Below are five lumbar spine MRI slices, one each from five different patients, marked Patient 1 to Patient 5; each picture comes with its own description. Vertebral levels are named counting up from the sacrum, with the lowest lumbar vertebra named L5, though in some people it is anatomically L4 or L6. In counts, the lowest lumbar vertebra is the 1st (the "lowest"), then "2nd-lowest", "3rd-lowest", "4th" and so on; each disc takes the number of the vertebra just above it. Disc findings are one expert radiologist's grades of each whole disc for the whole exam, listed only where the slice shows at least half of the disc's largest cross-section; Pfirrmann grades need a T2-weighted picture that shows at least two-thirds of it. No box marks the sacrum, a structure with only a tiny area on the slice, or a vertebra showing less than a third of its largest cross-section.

Patient 1 of 5:
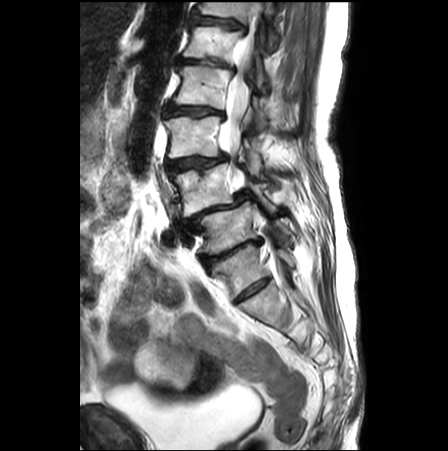 MRI lumbar spine (T2-weighted), sagittal plane
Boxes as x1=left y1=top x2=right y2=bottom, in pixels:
Segmented structures:
* L1/L2 at x1=177 y1=57 x2=235 y2=71
* T12 vertebra at x1=194 y1=2 x2=278 y2=51
* L2 vertebra at x1=172 y1=64 x2=267 y2=127
* L3/L4 at x1=165 y1=155 x2=226 y2=173
* disc L4/L5 at x1=182 y1=190 x2=253 y2=232
* L5/S1 at x1=200 y1=238 x2=262 y2=272
* disc L2/L3 at x1=163 y1=103 x2=226 y2=118
* L3 at x1=164 y1=116 x2=261 y2=173
* L5 vertebra at x1=201 y1=202 x2=291 y2=253
* disc T12/L1 at x1=189 y1=11 x2=246 y2=32
* spinal canal at x1=219 y1=34 x2=255 y2=188
* L1 vertebra at x1=184 y1=26 x2=267 y2=92
* L4 at x1=170 y1=163 x2=276 y2=216

Expert MSK radiologist gradings (per disc):
  L5/S1: Pfirrmann grade 5, disc herniation, disc narrowing, Modic type II, disc bulging, lower-endplate change, upper-endplate change
  L3/L4: Pfirrmann grade 4, lower-endplate change, upper-endplate change, disc bulging, spondylolisthesis, disc narrowing, Modic type II
  T12/L1: Pfirrmann grade 4, lower-endplate change, disc bulging, upper-endplate change
  L1/L2: Pfirrmann grade 5, lower-endplate change, disc narrowing, disc bulging
  L4/L5: Pfirrmann grade 5, disc herniation, upper-endplate change, disc bulging, lower-endplate change, disc narrowing, spondylolisthesis, Modic type II
  L2/L3: Pfirrmann grade 4, lower-endplate change, disc bulging, disc narrowing, upper-endplate change, Modic type II, spondylolisthesis

Patient 2 of 5:
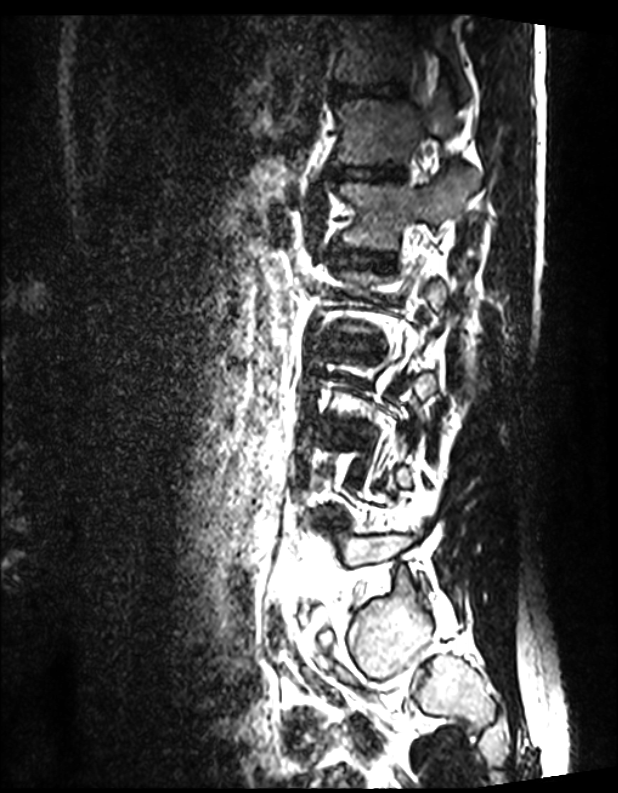 618x793 px; Patient sex: M; Slice 97 of 144; Lumbar spine MR, T2 SPACE (3D), sagittal
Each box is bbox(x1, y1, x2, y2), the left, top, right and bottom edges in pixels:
Segmented structures:
- L1 — bbox(346, 175, 479, 247)
- intervertebral disc L1/L2 — bbox(339, 252, 368, 263)
- intervertebral disc T12/L1 — bbox(332, 166, 401, 179)
- T12 vertebra — bbox(340, 91, 464, 164)
- T11 — bbox(338, 15, 468, 92)
- intervertebral disc T11/T12 — bbox(334, 84, 405, 100)

Degenerative findings by level:
• T12/L1: Pfirrmann grade 1
• T11/T12: Pfirrmann grade 1

Patient 3 of 5:
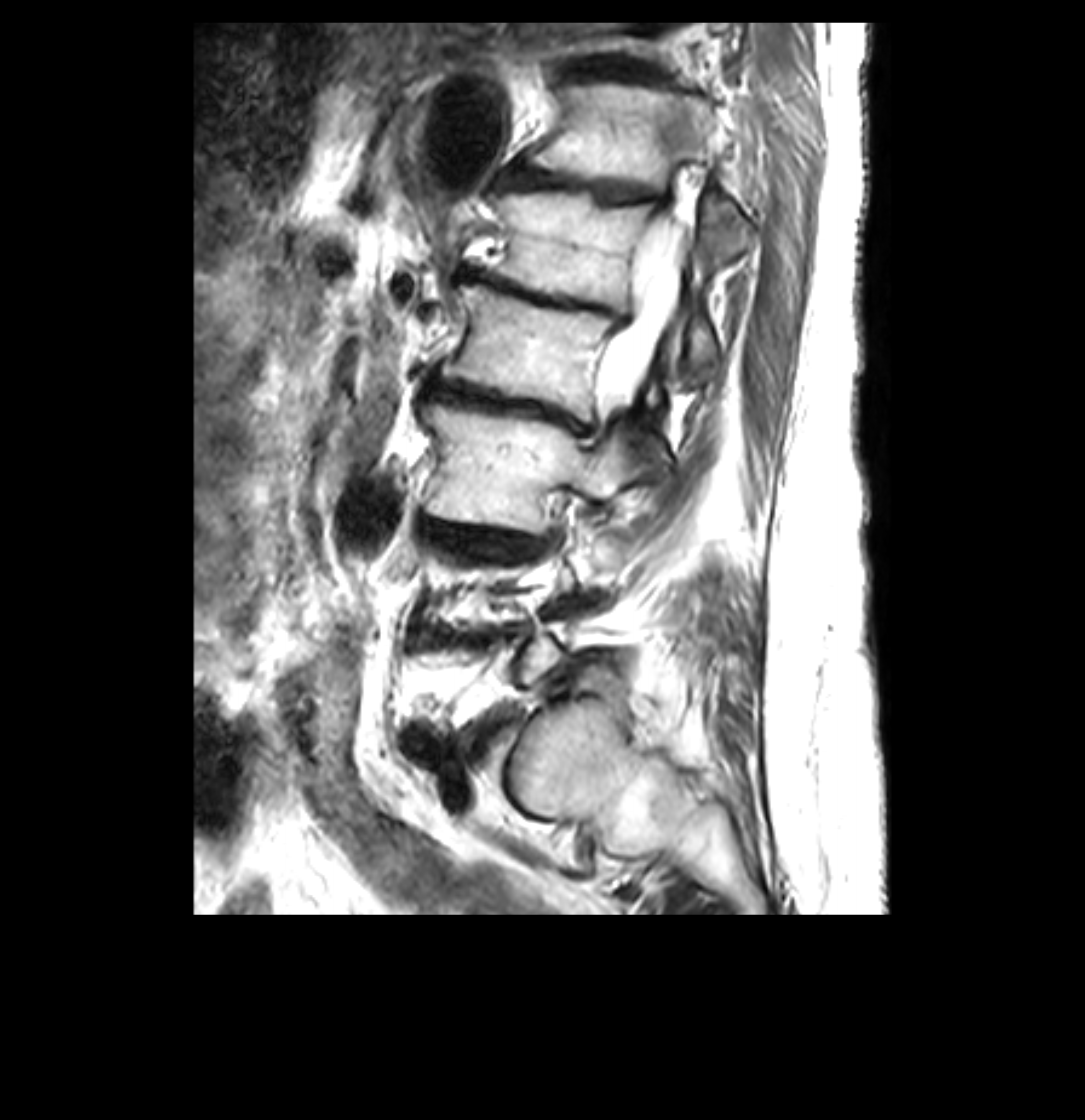

Lumbar spine MR, T2-weighted, sagittal; Slice spacing 3.4 mm

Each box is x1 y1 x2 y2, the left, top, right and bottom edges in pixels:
7th disc at 562 56 675 84, 4th disc at 424 368 591 435, 4th vertebra at 443 282 663 457, 6th vertebra at 521 83 719 192, 5th vertebra at 489 190 748 367, spinal canal at 601 210 690 425, 6th disc at 494 164 666 203, 5th disc at 453 266 610 315, 3rd-lowest vertebra at 419 395 634 532.

Expert MSK radiologist gradings (per disc):
  7th disc: Pfirrmann grade 5, Modic type II, lower-endplate change, disc bulging, disc narrowing, upper-endplate change
  6th disc: Pfirrmann grade 5, lower-endplate change, Modic type II, disc narrowing, upper-endplate change, disc bulging

Patient 4 of 5:
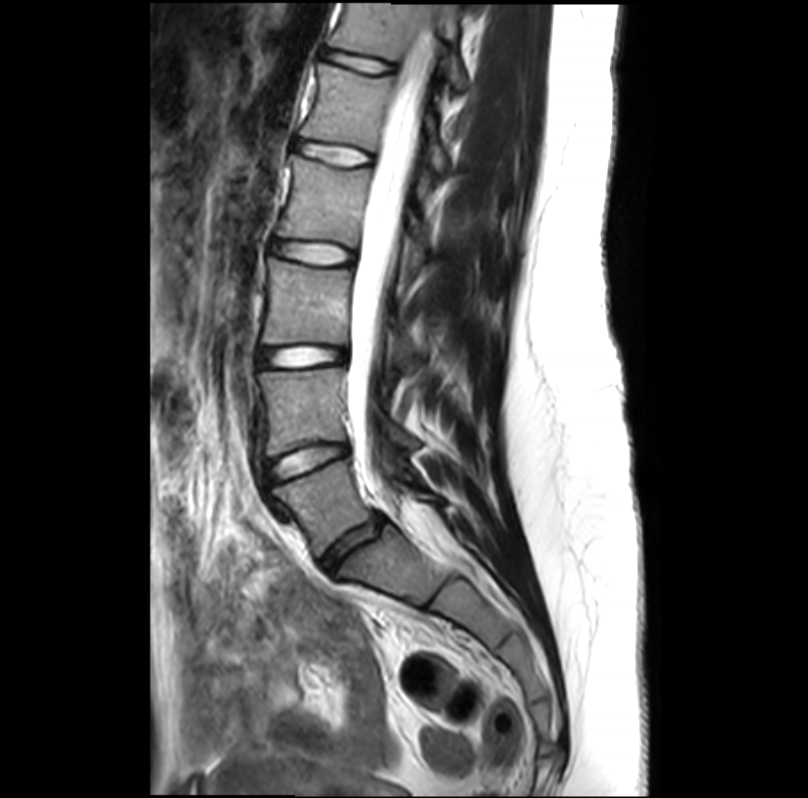

Lumbar spine MR, T2-weighted, sagittal. Field of view 286x282 mm, slice spacing 3.4 mm. Sex F. Slice 19/33.
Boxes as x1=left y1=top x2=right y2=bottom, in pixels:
Segmented structures:
* L3 vertebra: x1=263 y1=258 x2=419 y2=373
* thecal sac / spinal canal: x1=346 y1=27 x2=434 y2=481
* L1/L2: x1=297 y1=141 x2=369 y2=164
* L5/S1: x1=321 y1=514 x2=383 y2=569
* T12 vertebra: x1=329 y1=3 x2=466 y2=89
* disc L2/L3: x1=272 y1=239 x2=352 y2=264
* L1 vertebra: x1=300 y1=65 x2=446 y2=172
* L4: x1=259 y1=368 x2=419 y2=454
* L5: x1=272 y1=461 x2=445 y2=555
* L2 vertebra: x1=278 y1=156 x2=428 y2=245
* disc L4/L5: x1=265 y1=443 x2=347 y2=481
* L3/L4: x1=259 y1=346 x2=344 y2=366
* T12/L1: x1=324 y1=51 x2=393 y2=73

Degenerative findings by level:
• L5/S1: Pfirrmann grade 3, disc narrowing
• L2/L3: Pfirrmann grade 1
• L3/L4: Pfirrmann grade 1, disc bulging
• T12/L1: Pfirrmann grade 1
• L4/L5: Pfirrmann grade 1
• L1/L2: Pfirrmann grade 1

Patient 5 of 5:
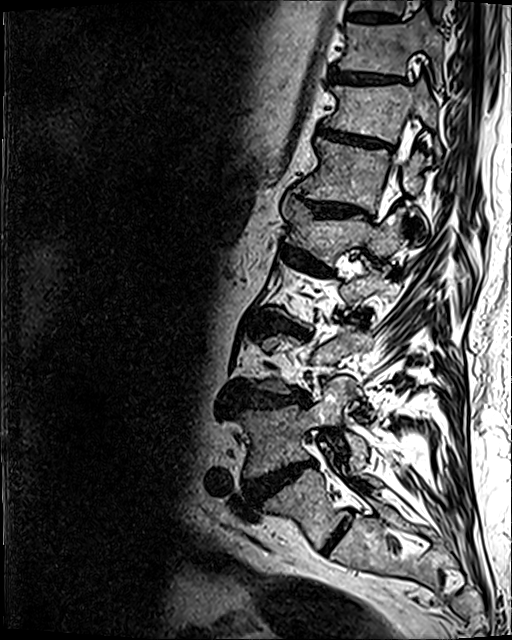
Sagittal T2 SPACE (3D) lumbar spine MRI
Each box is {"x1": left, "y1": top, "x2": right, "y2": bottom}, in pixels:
L5 vertebra at {"x1": 264, "y1": 466, "x2": 381, "y2": 548}, disc T10/T11 at {"x1": 330, "y1": 70, "x2": 402, "y2": 83}, disc L5/S1 at {"x1": 323, "y1": 518, "x2": 351, "y2": 552}, T12 at {"x1": 296, "y1": 138, "x2": 428, "y2": 228}, T11 at {"x1": 324, "y1": 81, "x2": 439, "y2": 155}, disc T11/T12 at {"x1": 319, "y1": 127, "x2": 392, "y2": 149}, disc L3/L4 at {"x1": 238, "y1": 384, "x2": 309, "y2": 409}, L1/L2 at {"x1": 290, "y1": 247, "x2": 321, "y2": 267}, L4 vertebra at {"x1": 241, "y1": 378, "x2": 367, "y2": 477}, thecal sac / spinal canal at {"x1": 383, "y1": 147, "x2": 406, "y2": 203}, L4/L5 at {"x1": 246, "y1": 461, "x2": 312, "y2": 500}, L1 at {"x1": 282, "y1": 196, "x2": 404, "y2": 257}, disc T12/L1 at {"x1": 308, "y1": 202, "x2": 370, "y2": 217}, T10 at {"x1": 338, "y1": 13, "x2": 442, "y2": 87}, L2/L3 at {"x1": 256, "y1": 315, "x2": 303, "y2": 333}, disc T9/T10 at {"x1": 347, "y1": 13, "x2": 396, "y2": 22}.

Per-level radiological findings:
- T11/T12: disc narrowing, disc bulging, lower-endplate change, upper-endplate change
- T12/L1: disc narrowing, lower-endplate change, disc bulging, upper-endplate change
- L4/L5: Pfirrmann grade 5, Modic type II, lower-endplate change, disc bulging, upper-endplate change, disc herniation, disc narrowing
- T9/T10: lower-endplate change
- L3/L4: Pfirrmann grade 4, disc narrowing, disc bulging, lower-endplate change, upper-endplate change
- T10/T11: disc bulging, upper-endplate change, lower-endplate change